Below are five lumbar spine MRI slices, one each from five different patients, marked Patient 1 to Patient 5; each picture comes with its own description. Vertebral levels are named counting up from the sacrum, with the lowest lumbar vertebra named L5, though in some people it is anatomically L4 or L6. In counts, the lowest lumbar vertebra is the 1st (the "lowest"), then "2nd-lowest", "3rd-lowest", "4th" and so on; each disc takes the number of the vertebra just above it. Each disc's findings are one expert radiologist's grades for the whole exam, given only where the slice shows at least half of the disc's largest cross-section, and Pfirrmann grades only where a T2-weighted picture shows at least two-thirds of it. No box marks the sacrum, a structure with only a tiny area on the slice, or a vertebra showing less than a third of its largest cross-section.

Patient 1 of 5:
Lumbar spine MR, T2-weighted, sagittal. Slice 11 of 17.

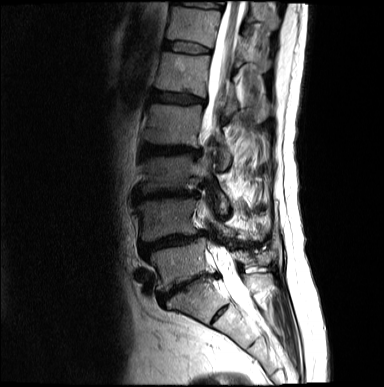 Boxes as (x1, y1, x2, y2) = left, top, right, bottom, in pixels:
Structures:
* T11 (7th vertebra) — (250, 2, 280, 29)
* L2/L3 (4th disc) — (143, 144, 200, 156)
* T12 (6th vertebra) — (167, 7, 270, 71)
* T11/T12 (7th disc) — (181, 2, 222, 9)
* spinal canal — (199, 0, 254, 314)
* L3 (3rd-lowest vertebra) — (141, 153, 228, 213)
* IVD L1/L2 (5th disc) — (152, 90, 205, 104)
* L4/L5 (2nd-lowest disc) — (140, 232, 204, 258)
* L2 (4th vertebra) — (145, 103, 231, 169)
* IVD L5/S1 (lowest disc) — (158, 273, 217, 304)
* L5 (lowest vertebra) — (148, 238, 276, 291)
* L4 (2nd-lowest vertebra) — (137, 197, 270, 241)
* L1 (5th vertebra) — (155, 52, 269, 121)
* IVD L3/L4 (3rd-lowest disc) — (134, 191, 196, 202)
* T12/L1 (6th disc) — (166, 42, 209, 52)

Expert MSK radiologist gradings (per disc):
- T12/L1 (6th disc): Pfirrmann grade 2
- L1/L2 (5th disc): Pfirrmann grade 3, upper-endplate change, disc bulging, lower-endplate change
- L4/L5 (2nd-lowest disc): Pfirrmann grade 4, disc bulging, lower-endplate change, upper-endplate change, disc narrowing
- L5/S1 (lowest disc): Pfirrmann grade 5, disc narrowing, disc bulging, upper-endplate change, lower-endplate change
- L2/L3 (4th disc): Pfirrmann grade 4, disc narrowing, upper-endplate change, disc bulging, lower-endplate change
- L3/L4 (3rd-lowest disc): disc bulging, disc narrowing, upper-endplate change, lower-endplate change
- T11/T12 (7th disc): Pfirrmann grade 2

Patient 2 of 5:
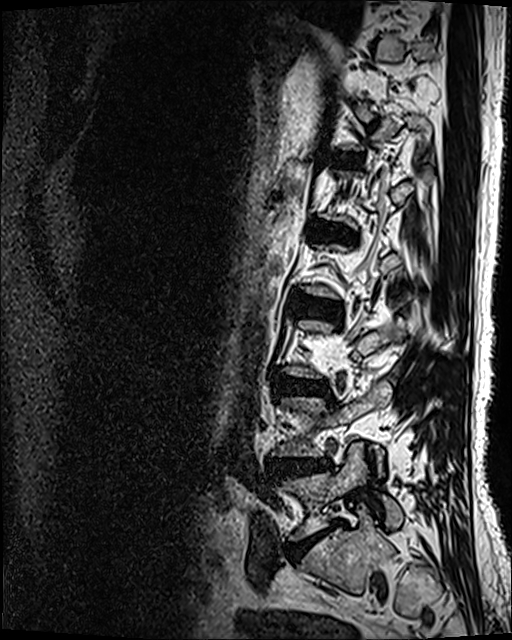 Image 512x640, Slice 89 of 120, T2 SPACE (3D) sagittal MRI of the lumbar spine
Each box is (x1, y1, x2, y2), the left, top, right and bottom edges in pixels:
Structures:
• T12/L1: (336, 156, 356, 165)
• L5 vertebra: (282, 443, 402, 540)
• L3/L4: (273, 375, 328, 396)
• L1/L2: (312, 223, 355, 242)
• L2/L3: (293, 294, 341, 321)
• L5/S1: (286, 521, 342, 560)
• L4/L5: (271, 459, 328, 480)

Radiological gradings:
- L3/L4: disc narrowing, disc bulging, lower-endplate change, Modic type II
- L1/L2: Modic type II, disc narrowing, upper-endplate change, disc bulging, lower-endplate change
- L2/L3: disc bulging

Patient 3 of 5:
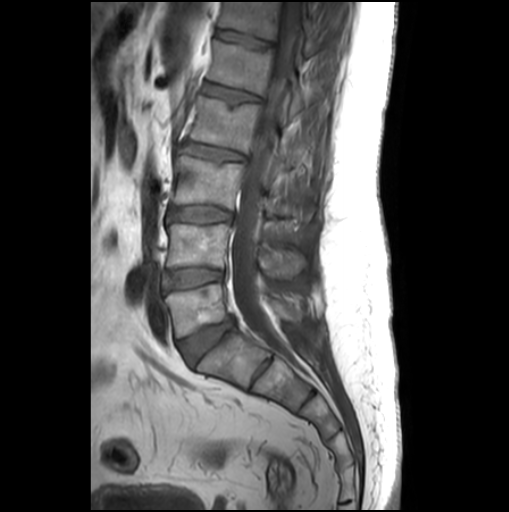
Sagittal T1-weighted lumbar spine MRI, Slice 12/26
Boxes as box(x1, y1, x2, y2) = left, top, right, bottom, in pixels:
Segmented structures:
- 5th disc at box(204, 83, 259, 103)
- 6th vertebra at box(220, 2, 317, 55)
- 5th vertebra at box(209, 41, 327, 114)
- 2nd-lowest disc at box(165, 267, 223, 288)
- 3rd-lowest vertebra at box(174, 156, 311, 220)
- lowest disc at box(178, 319, 234, 364)
- thecal sac / spinal canal at box(232, 2, 301, 347)
- 2nd-lowest vertebra at box(167, 224, 304, 277)
- 6th disc at box(217, 29, 269, 45)
- 4th vertebra at box(191, 96, 294, 171)
- lowest vertebra at box(165, 284, 301, 337)
- 3rd-lowest disc at box(168, 206, 231, 222)
- 4th disc at box(183, 142, 244, 160)

Degenerative findings by level:
• lowest disc: disc bulging
• 5th disc: upper-endplate change, lower-endplate change
• 4th disc: upper-endplate change, lower-endplate change, disc bulging
• 2nd-lowest disc, 3rd-lowest disc, 6th disc: no spondylolisthesis, narrowing, bulging, herniation, Modic or endplate change recorded

Patient 4 of 5:
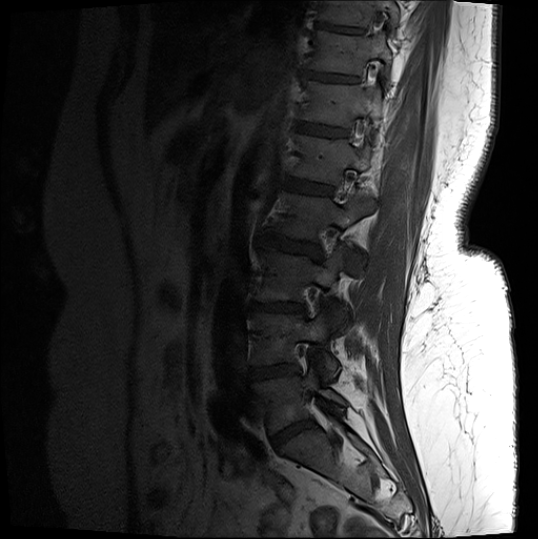
Lumbar spine MR, T1-weighted, sagittal | Slice spacing 3.3 mm | 538x539 px

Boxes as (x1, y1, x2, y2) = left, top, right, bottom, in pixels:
L1: (293, 135, 378, 184).
L2/L3: (266, 233, 320, 257).
Disc T12/L1: (299, 124, 347, 137).
Disc T10/T11: (318, 22, 364, 33).
Disc L1/L2: (288, 178, 332, 195).
L5 vertebra: (253, 367, 346, 433).
T10 vertebra: (320, 1, 399, 27).
L4 vertebra: (251, 311, 339, 378).
T11: (310, 32, 392, 75).
T12 vertebra: (302, 82, 386, 127).
Disc L5/S1: (272, 421, 312, 448).
L2: (277, 194, 376, 241).
Disc T11/T12: (306, 72, 358, 83).
Disc L4/L5: (250, 365, 297, 379).
L3: (257, 248, 358, 328).
Disc L3/L4: (255, 303, 303, 311).

Degenerative findings by level:
• T11/T12: upper-endplate change
• L3/L4: lower-endplate change, disc narrowing, upper-endplate change, Modic type II, disc bulging
• L1/L2: Modic type II, lower-endplate change, upper-endplate change
• L4/L5: Modic type II, disc bulging, lower-endplate change
• L5/S1: disc narrowing, disc bulging
• T10/T11: lower-endplate change, upper-endplate change
• L2/L3: lower-endplate change, disc bulging, upper-endplate change
• T12/L1: upper-endplate change, lower-endplate change

Patient 5 of 5:
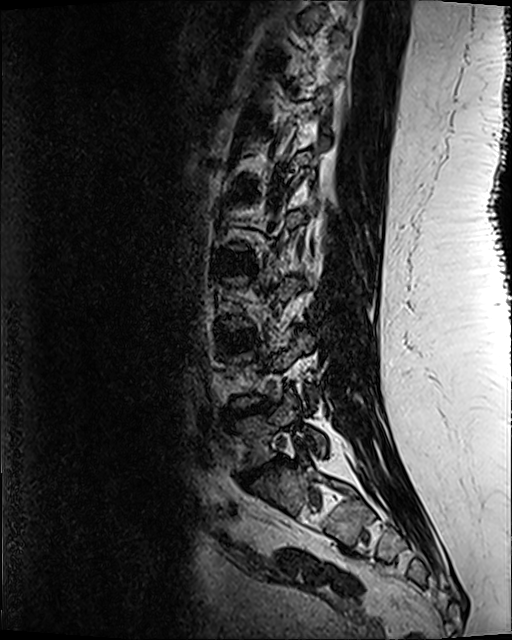
Field of view 240x300 mm, slice spacing 0.9 mm | Patient sex: F | Slice 82/120 | T2 SPACE (3D) sagittal MRI of the lumbar spine | Image 512x640

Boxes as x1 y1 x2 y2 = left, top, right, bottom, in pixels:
Structures:
* disc L3/L4 (3rd-lowest disc) = 221 333 252 350
* disc L2/L3 (4th disc) = 215 255 254 272
* L5/S1 (lowest disc) = 240 457 285 484
* L5 (lowest vertebra) = 237 393 326 467
* disc L4/L5 (2nd-lowest disc) = 227 401 272 417

Radiological gradings:
- L2/L3 (4th disc): lower-endplate change, upper-endplate change